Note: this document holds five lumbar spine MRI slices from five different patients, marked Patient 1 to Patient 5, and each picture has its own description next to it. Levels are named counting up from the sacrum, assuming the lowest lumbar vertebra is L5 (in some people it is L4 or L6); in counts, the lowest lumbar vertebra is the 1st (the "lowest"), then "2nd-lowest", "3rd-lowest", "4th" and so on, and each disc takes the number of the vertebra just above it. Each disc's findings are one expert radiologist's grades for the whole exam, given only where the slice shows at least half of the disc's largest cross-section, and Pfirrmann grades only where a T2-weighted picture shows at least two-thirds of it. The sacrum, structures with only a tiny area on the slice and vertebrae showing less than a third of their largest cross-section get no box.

Patient 1 of 5:
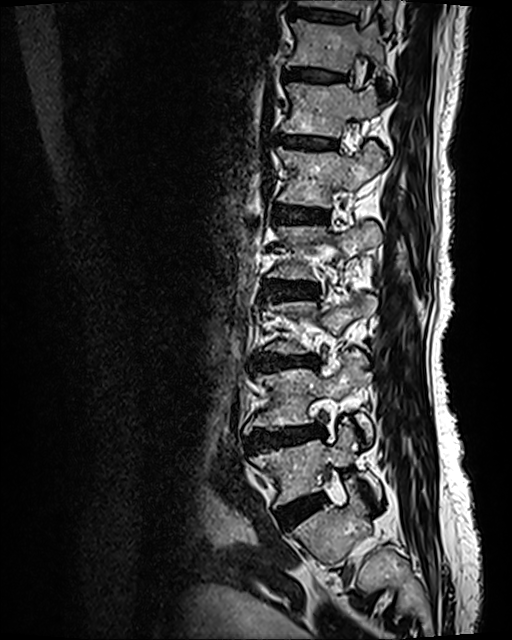
Slice 82 of 120. T2 SPACE (3D) sagittal MRI of the lumbar spine. Image 512x640. Field of view 240x300 mm, slice spacing 0.9 mm.
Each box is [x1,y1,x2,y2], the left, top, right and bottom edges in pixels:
L4 = [244,353,373,440].
T11 vertebra = [288,20,390,87].
Intervertebral disc T12/L1 = [277,134,336,148].
L2 vertebra = [268,222,381,279].
Intervertebral disc T11/T12 = [285,69,341,79].
L2/L3 = [263,280,317,299].
T10/T11 = [289,8,353,22].
L3/L4 = [251,353,316,369].
T10 vertebra = [297,0,394,33].
L1 = [276,141,385,208].
Intervertebral disc L1/L2 = [274,205,327,222].
L5 vertebra = [250,422,382,505].
Intervertebral disc L5/S1 = [286,495,324,524].
T12 = [281,81,379,137].
L4/L5 = [247,426,324,446].

Radiological gradings:
  T11/T12: upper-endplate change, Modic type II, lower-endplate change
  T10/T11: Pfirrmann grade 2, upper-endplate change, lower-endplate change
  L1/L2: Modic type II, upper-endplate change, lower-endplate change
  L3/L4: lower-endplate change, Modic type II, disc narrowing, disc bulging, upper-endplate change
  L4/L5: Pfirrmann grade 4, disc bulging, lower-endplate change, Modic type II, disc narrowing, upper-endplate change
  T12/L1: Pfirrmann grade 2, upper-endplate change, Modic type II, lower-endplate change
  L2/L3: Modic type II, upper-endplate change, lower-endplate change, disc bulging

Patient 2 of 5:
Slice spacing 3.3 mm. Sagittal slice index 9. Sex M. Philips Healthcare Ingenia (3T). MRI lumbar spine (T2-weighted), sagittal plane. 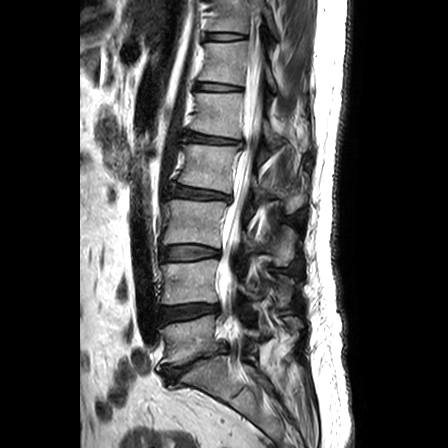

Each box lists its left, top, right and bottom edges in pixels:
Lowest disc: left=163, top=344, right=226, bottom=381.
5th vertebra: left=191, top=93, right=279, bottom=146.
6th vertebra: left=200, top=41, right=277, bottom=91.
4th vertebra: left=178, top=144, right=304, bottom=212.
3rd-lowest vertebra: left=162, top=199, right=295, bottom=265.
2nd-lowest disc: left=160, top=304, right=218, bottom=322.
Thecal sac / spinal canal: left=219, top=47, right=263, bottom=341.
7th disc: left=208, top=33, right=241, bottom=39.
Lowest vertebra: left=160, top=315, right=259, bottom=365.
3rd-lowest disc: left=161, top=246, right=218, bottom=259.
2nd-lowest vertebra: left=162, top=259, right=291, bottom=304.
6th disc: left=198, top=82, right=238, bottom=90.
4th disc: left=171, top=186, right=229, bottom=200.
5th disc: left=185, top=132, right=237, bottom=143.
7th vertebra: left=210, top=0, right=277, bottom=36.

Degenerative findings by level:
  3rd-lowest disc: Pfirrmann grade 2, disc bulging
  2nd-lowest disc: Pfirrmann grade 3, disc narrowing, disc bulging
  7th disc: Pfirrmann grade 1
  4th disc: Pfirrmann grade 3, disc bulging
  5th disc: Pfirrmann grade 3, Modic type II, disc bulging, upper-endplate change, lower-endplate change
  6th disc: Pfirrmann grade 1
  lowest disc: Pfirrmann grade 5, upper-endplate change, disc herniation, disc bulging, spondylolisthesis, disc narrowing, Modic type II, lower-endplate change

Patient 3 of 5:
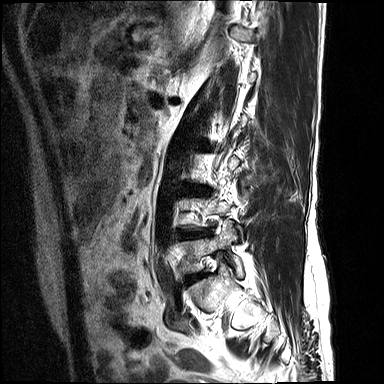 MRI lumbar spine (T2-weighted), sagittal plane.
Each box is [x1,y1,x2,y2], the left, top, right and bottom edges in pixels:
L3/L4: [188,187,209,195]
L5 vertebra: [182,222,243,277]
IVD L4/L5: [182,231,210,237]
L5/S1: [188,273,204,281]

Patient 4 of 5:
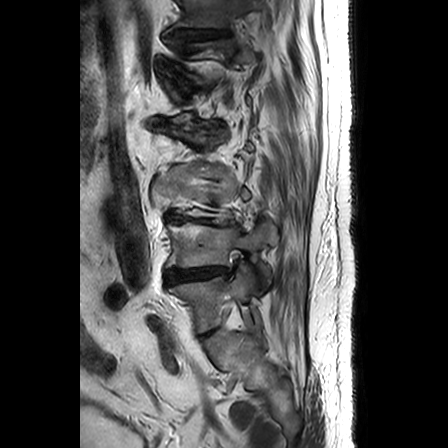
Sagittal T2-weighted lumbar spine MRI

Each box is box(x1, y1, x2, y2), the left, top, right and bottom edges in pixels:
IVD L3/L4 (3rd-lowest disc) at box(165, 213, 232, 225); T11 (7th vertebra) at box(175, 0, 260, 27); IVD L4/L5 (2nd-lowest disc) at box(166, 268, 228, 283); L5 (lowest vertebra) at box(169, 265, 261, 331); IVD T11/T12 (7th disc) at box(169, 30, 227, 39); T12/L1 (6th disc) at box(171, 74, 191, 93); L4 (2nd-lowest vertebra) at box(167, 222, 277, 282).

Per-level radiological findings:
- L4/L5 (2nd-lowest disc): Pfirrmann grade 5, disc bulging, Modic type II, disc herniation, disc narrowing
- T11/T12 (7th disc): Pfirrmann grade 3, disc bulging, disc narrowing, upper-endplate change
- L3/L4 (3rd-lowest disc): Pfirrmann grade 5, disc bulging, disc narrowing, Modic type II, disc herniation

Patient 5 of 5:
Patient sex: M. 554x550 px. T2-weighted sagittal MRI of the lumbar spine.

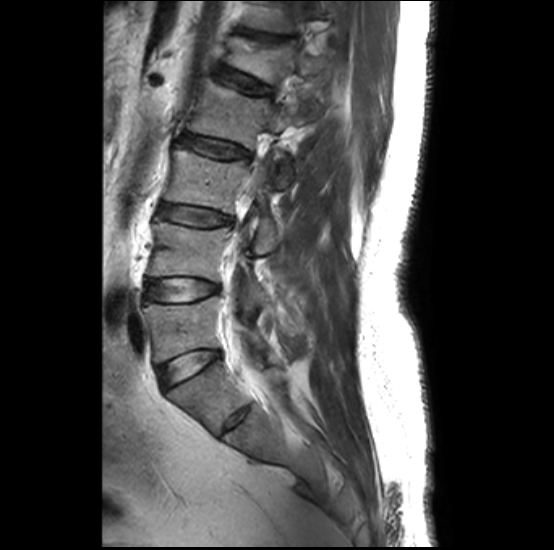
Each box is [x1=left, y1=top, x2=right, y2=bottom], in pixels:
3rd-lowest disc: [x1=157, y1=203, x2=231, y2=226] | 5th disc: [x1=215, y1=68, x2=270, y2=95] | lowest vertebra: [x1=144, y1=295, x2=266, y2=362] | lowest disc: [x1=159, y1=351, x2=219, y2=388] | 4th vertebra: [x1=188, y1=78, x2=299, y2=184] | spinal canal: [x1=225, y1=249, x2=237, y2=342] | 2nd-lowest disc: [x1=147, y1=279, x2=218, y2=301] | 2nd-lowest vertebra: [x1=149, y1=222, x2=266, y2=310] | 5th vertebra: [x1=227, y1=37, x2=328, y2=83] | 3rd-lowest vertebra: [x1=165, y1=149, x2=276, y2=252] | 6th disc: [x1=250, y1=33, x2=286, y2=41] | 4th disc: [x1=177, y1=134, x2=249, y2=158]

Expert MSK radiologist gradings (per disc):
• lowest disc: Pfirrmann grade 1
• 4th disc: Pfirrmann grade 2, upper-endplate change, Modic type II, lower-endplate change
• 3rd-lowest disc: Pfirrmann grade 2, Modic type II, upper-endplate change, lower-endplate change
• 5th disc: Pfirrmann grade 2, lower-endplate change, upper-endplate change, Modic type II
• 2nd-lowest disc: Pfirrmann grade 1, Modic type II, upper-endplate change, lower-endplate change